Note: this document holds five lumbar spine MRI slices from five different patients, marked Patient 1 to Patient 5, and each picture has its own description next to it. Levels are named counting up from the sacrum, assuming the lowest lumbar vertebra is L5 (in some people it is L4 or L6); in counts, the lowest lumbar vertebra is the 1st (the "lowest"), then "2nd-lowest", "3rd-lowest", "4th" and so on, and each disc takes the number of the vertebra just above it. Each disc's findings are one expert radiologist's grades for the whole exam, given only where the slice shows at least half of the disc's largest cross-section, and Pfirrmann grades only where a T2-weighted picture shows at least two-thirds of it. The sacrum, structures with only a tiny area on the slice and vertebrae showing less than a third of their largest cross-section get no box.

Patient 1 of 5:
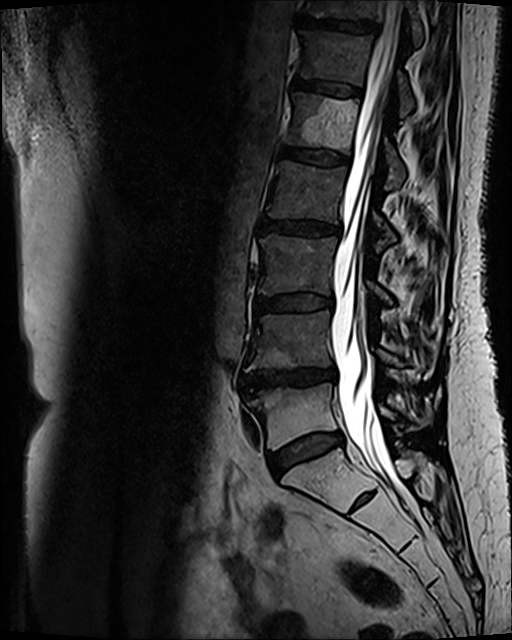 Slice 59 of 120. Patient sex: F. Field of view 240x300 mm, slice spacing 0.9 mm. Lumbar spine MR, T2 SPACE (3D), sagittal.
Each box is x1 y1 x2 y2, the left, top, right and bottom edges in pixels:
Segmented structures:
- IVD L1/L2 (5th disc): 281 148 348 164
- L3/L4 (3rd-lowest disc): 257 296 332 312
- L3 (3rd-lowest vertebra): 259 234 391 303
- IVD T12/L1 (6th disc): 293 78 361 95
- L2 (4th vertebra): 267 161 395 250
- T11/T12 (7th disc): 300 18 378 32
- L1 (5th vertebra): 285 93 405 189
- IVD L2/L3 (4th disc): 260 220 340 235
- T11 (7th vertebra): 305 0 422 46
- L5 (lowest vertebra): 248 383 434 448
- IVD L4/L5 (2nd-lowest disc): 242 367 335 394
- IVD L5/S1 (lowest disc): 269 432 343 475
- spinal canal: 331 0 402 487
- L4 (2nd-lowest vertebra): 244 310 403 372
- T12 (6th vertebra): 301 31 413 117

Radiological gradings:
  T12/L1 (6th disc): Pfirrmann grade 3, Modic type II
  L5/S1 (lowest disc): Pfirrmann grade 3, Modic type II, disc bulging
  L3/L4 (3rd-lowest disc): Pfirrmann grade 3, Modic type II, disc bulging
  L4/L5 (2nd-lowest disc): Pfirrmann grade 4, Modic type II, disc bulging, disc narrowing, lower-endplate change, upper-endplate change
  L2/L3 (4th disc): Pfirrmann grade 3, disc bulging, Modic type II
  L1/L2 (5th disc): Pfirrmann grade 3, Modic type II
  T11/T12 (7th disc): Pfirrmann grade 4, Modic type II, upper-endplate change, lower-endplate change

Patient 2 of 5:
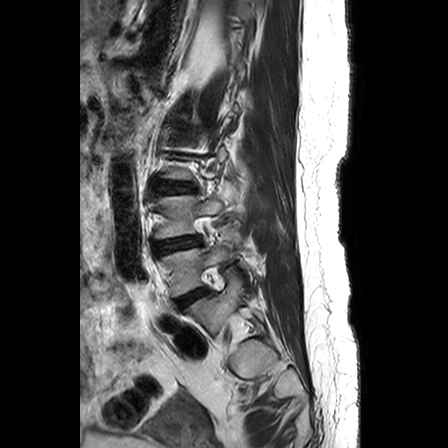

448x448 px; MRI lumbar spine (T2-weighted), sagittal plane; Slice 20/24; Slice spacing 3.3 mm
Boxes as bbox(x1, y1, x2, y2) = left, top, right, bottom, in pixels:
IVD L2/L3 (4th disc): bbox(163, 186, 192, 192) | L3/L4 (3rd-lowest disc): bbox(154, 237, 200, 253) | L4 (2nd-lowest vertebra): bbox(162, 233, 249, 296) | L3 (3rd-lowest vertebra): bbox(155, 195, 223, 238) | L5 (lowest vertebra): bbox(186, 269, 263, 334) | L4/L5 (2nd-lowest disc): bbox(178, 290, 203, 305)

Radiological gradings:
  L3/L4 (3rd-lowest disc): Pfirrmann grade 3, disc bulging, upper-endplate change, lower-endplate change

Patient 3 of 5:
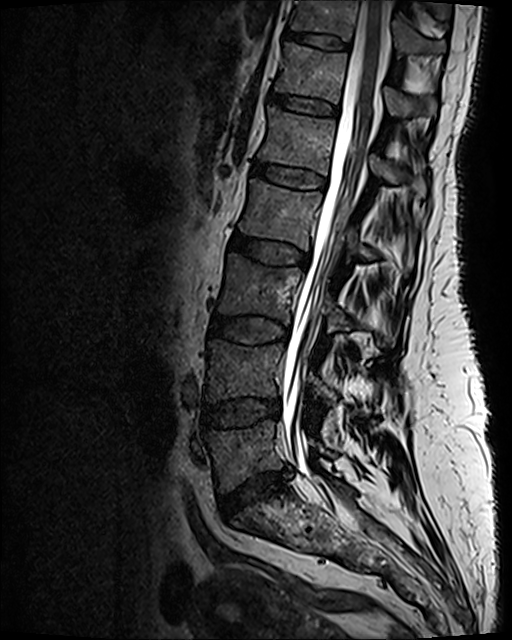
Lumbar spine MR, T2 SPACE (3D), sagittal | Image 512x640 | Sex F
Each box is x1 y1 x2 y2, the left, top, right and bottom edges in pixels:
Structures:
• 6th disc: 269 93 337 115
• 3rd-lowest vertebra: 217 254 392 347
• lowest disc: 219 471 287 518
• 2nd-lowest vertebra: 205 340 335 402
• 2nd-lowest disc: 202 399 280 427
• 5th disc: 252 161 326 188
• 4th vertebra: 240 179 376 257
• 7th vertebra: 291 0 446 58
• 5th vertebra: 258 108 426 198
• lowest vertebra: 207 421 333 491
• 7th disc: 283 29 349 51
• spinal canal: 282 0 387 500
• 3rd-lowest disc: 211 315 286 343
• 4th disc: 231 233 309 266
• 6th vertebra: 275 43 435 115

Per-level radiological findings:
- 3rd-lowest disc: Pfirrmann grade 3
- lowest disc: Pfirrmann grade 3, lower-endplate change, disc narrowing, disc herniation, upper-endplate change
- 5th disc: Pfirrmann grade 2
- 2nd-lowest disc: Pfirrmann grade 3, disc bulging
- 6th disc: Pfirrmann grade 2
- 7th disc: Pfirrmann grade 2
- 4th disc: Pfirrmann grade 3, disc bulging

Patient 4 of 5:
Sex F, SIEMENS Avanto_fit (1.5T), MRI lumbar spine (T2 SPACE (3D)), sagittal plane
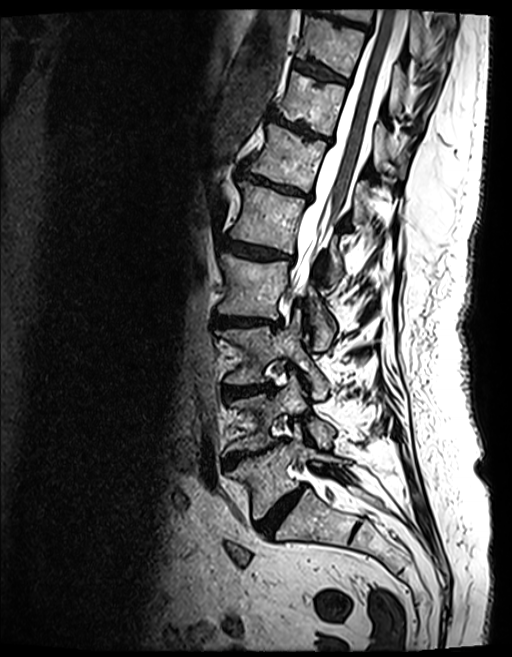

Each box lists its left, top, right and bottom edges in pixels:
Structures:
- L3 = left=218, top=310, right=327, bottom=398
- IVD T11/T12 = left=269, top=113, right=331, bottom=142
- L2 = left=220, top=253, right=334, bottom=349
- T9 = left=328, top=8, right=431, bottom=58
- L5/S1 = left=258, top=486, right=305, bottom=534
- IVD T10/T11 = left=294, top=60, right=347, bottom=83
- L1 vertebra = left=230, top=181, right=341, bottom=285
- L2/L3 = left=213, top=315, right=280, bottom=329
- T12 vertebra = left=246, top=125, right=365, bottom=222
- T11 vertebra = left=277, top=72, right=396, bottom=170
- T10 vertebra = left=297, top=15, right=403, bottom=110
- IVD T12/L1 = left=239, top=167, right=310, bottom=199
- T9/T10 = left=310, top=2, right=367, bottom=30
- spinal canal = left=292, top=9, right=405, bottom=293
- L4 = left=227, top=376, right=333, bottom=451
- IVD L4/L5 = left=225, top=439, right=284, bottom=465
- L3/L4 = left=225, top=385, right=271, bottom=394
- L5 vertebra = left=229, top=424, right=345, bottom=519
- IVD L1/L2 = left=225, top=240, right=287, bottom=259

Per-level radiological findings:
• L1/L2: Pfirrmann grade 4, lower-endplate change, upper-endplate change, disc bulging, Modic type II, disc narrowing
• T9/T10: Pfirrmann grade 4, upper-endplate change, lower-endplate change, disc bulging, Modic type II
• T12/L1: Pfirrmann grade 4, upper-endplate change, disc bulging, Modic type II, lower-endplate change, disc narrowing
• L2/L3: Pfirrmann grade 4, lower-endplate change, disc narrowing, disc bulging, Modic type II, upper-endplate change
• T10/T11: Pfirrmann grade 4, lower-endplate change, Modic type II, upper-endplate change
• T11/T12: Pfirrmann grade 5, lower-endplate change, Modic type II, disc bulging, disc narrowing, upper-endplate change
• L5/S1: Pfirrmann grade 4, disc narrowing, disc bulging

Patient 5 of 5:
MRI lumbar spine (T2 SPACE (3D)), sagittal plane | Scanner: SIEMENS Avanto_fit (1.5T)
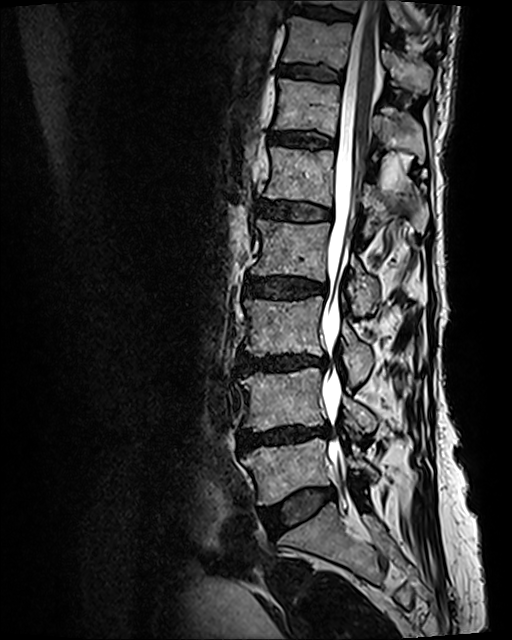 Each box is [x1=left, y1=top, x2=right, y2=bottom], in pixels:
* T11 (7th vertebra) at [x1=283, y1=16, x2=432, y2=93]
* T10/T11 (8th disc) at [x1=293, y1=7, x2=352, y2=19]
* L2 (4th vertebra) at [x1=251, y1=220, x2=380, y2=313]
* T12 (6th vertebra) at [x1=273, y1=79, x2=425, y2=162]
* L5 (lowest vertebra) at [x1=242, y1=438, x2=377, y2=505]
* spinal canal at [x1=322, y1=0, x2=380, y2=492]
* L1/L2 (5th disc) at [x1=259, y1=201, x2=331, y2=221]
* L3 (3rd-lowest vertebra) at [x1=244, y1=297, x2=374, y2=386]
* T12/L1 (6th disc) at [x1=270, y1=131, x2=334, y2=149]
* L3/L4 (3rd-lowest disc) at [x1=238, y1=353, x2=327, y2=372]
* L4 (2nd-lowest vertebra) at [x1=240, y1=369, x2=378, y2=431]
* L5/S1 (lowest disc) at [x1=261, y1=489, x2=334, y2=530]
* T10 (8th vertebra) at [x1=305, y1=0, x2=440, y2=42]
* disc L2/L3 (4th disc) at [x1=245, y1=274, x2=326, y2=298]
* disc T11/T12 (7th disc) at [x1=279, y1=64, x2=343, y2=81]
* L1 (5th vertebra) at [x1=265, y1=147, x2=428, y2=236]
* disc L4/L5 (2nd-lowest disc) at [x1=239, y1=423, x2=329, y2=449]

Degenerative findings by level:
• T10/T11 (8th disc): Pfirrmann grade 2, lower-endplate change, upper-endplate change
• L4/L5 (2nd-lowest disc): Pfirrmann grade 4, disc narrowing, lower-endplate change, upper-endplate change, disc bulging, Modic type II
• T12/L1 (6th disc): Pfirrmann grade 2, Modic type II, upper-endplate change, lower-endplate change
• T11/T12 (7th disc): Pfirrmann grade 2, Modic type II, lower-endplate change, upper-endplate change
• L1/L2 (5th disc): Pfirrmann grade 3, lower-endplate change, Modic type II, upper-endplate change
• L5/S1 (lowest disc): Pfirrmann grade 2, disc bulging
• L3/L4 (3rd-lowest disc): Pfirrmann grade 4, upper-endplate change, lower-endplate change, disc narrowing, disc bulging, Modic type II
• L2/L3 (4th disc): Pfirrmann grade 3, upper-endplate change, disc bulging, Modic type II, lower-endplate change